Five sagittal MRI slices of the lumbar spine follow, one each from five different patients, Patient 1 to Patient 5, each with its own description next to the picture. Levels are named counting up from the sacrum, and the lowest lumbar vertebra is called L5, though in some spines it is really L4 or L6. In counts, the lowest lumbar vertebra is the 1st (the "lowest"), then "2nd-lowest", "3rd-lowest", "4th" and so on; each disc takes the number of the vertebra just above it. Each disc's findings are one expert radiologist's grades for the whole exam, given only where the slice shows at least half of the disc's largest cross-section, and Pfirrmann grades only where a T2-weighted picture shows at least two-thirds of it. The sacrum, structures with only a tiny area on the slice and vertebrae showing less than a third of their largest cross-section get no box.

Patient 1 of 5:
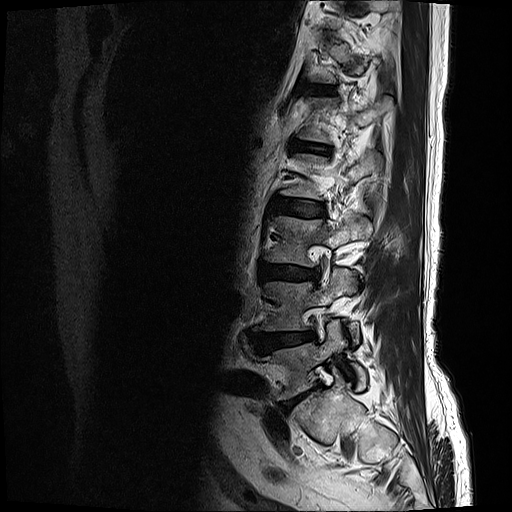 Field of view 300x300 mm. Lumbar spine MR, T2-weighted, sagittal. Patient sex: M.

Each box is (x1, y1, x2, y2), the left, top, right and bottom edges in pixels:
Structures:
• disc L3/L4 — (260, 264, 320, 281)
• disc L4/L5 — (252, 332, 316, 352)
• T12/L1 — (314, 87, 331, 93)
• L1/L2 — (292, 141, 330, 153)
• L4 — (261, 268, 359, 344)
• disc L5/S1 — (281, 386, 319, 412)
• L5 vertebra — (255, 321, 367, 400)
• L3 vertebra — (264, 215, 373, 266)
• disc L2/L3 — (273, 197, 325, 216)

Degenerative findings by level:
- L4/L5: disc bulging, disc herniation
- L3/L4: Pfirrmann grade 4, disc narrowing, lower-endplate change, disc bulging, Modic type II
- L1/L2: upper-endplate change, lower-endplate change, disc bulging, disc narrowing, Modic type II
- L2/L3: Pfirrmann grade 3, disc bulging

Patient 2 of 5:
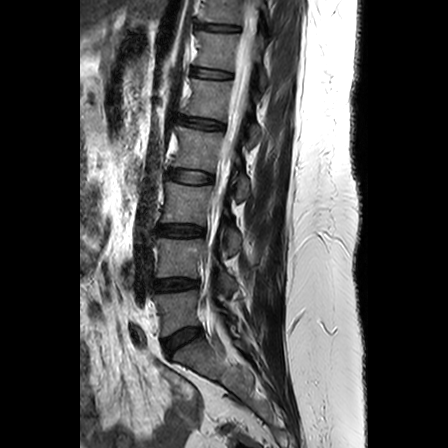

MRI lumbar spine (T2-weighted), sagittal plane
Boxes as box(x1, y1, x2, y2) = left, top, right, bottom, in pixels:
7th disc: box(198, 24, 238, 31).
Lowest vertebra: box(153, 290, 235, 335).
7th vertebra: box(199, 0, 267, 23).
4th disc: box(167, 170, 212, 183).
Lowest disc: box(163, 328, 200, 353).
Thecal sac / spinal canal: box(215, 0, 258, 208).
5th disc: box(177, 116, 224, 130).
2nd-lowest vertebra: box(155, 238, 236, 294).
6th vertebra: box(197, 30, 267, 89).
4th vertebra: box(173, 126, 249, 202).
2nd-lowest disc: box(153, 279, 198, 290).
6th disc: box(193, 68, 230, 78).
3rd-lowest vertebra: box(162, 182, 240, 255).
5th vertebra: box(183, 79, 260, 143).
3rd-lowest disc: box(158, 225, 203, 236).

Radiological gradings:
- 3rd-lowest disc: Pfirrmann grade 3, upper-endplate change
- lowest disc: Pfirrmann grade 3
- 5th disc: Pfirrmann grade 3, disc bulging, Modic type II, upper-endplate change
- 4th disc: Pfirrmann grade 2
- 7th disc: Pfirrmann grade 2
- 6th disc: Pfirrmann grade 2
- 2nd-lowest disc: Pfirrmann grade 3, disc narrowing

Patient 3 of 5:
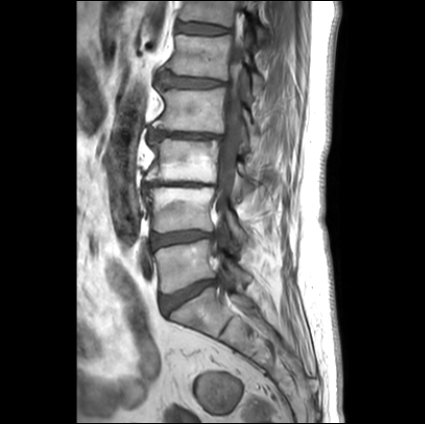
T1-weighted sagittal MRI of the lumbar spine.

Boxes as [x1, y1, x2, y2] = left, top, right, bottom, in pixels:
L5 (lowest vertebra): [153, 240, 253, 293].
Thecal sac / spinal canal: [216, 37, 243, 228].
L3/L4 (3rd-lowest disc): [143, 182, 215, 189].
L5/S1 (lowest disc): [161, 280, 214, 314].
L3 (3rd-lowest vertebra): [145, 138, 258, 194].
L4/L5 (2nd-lowest disc): [151, 231, 212, 250].
L1 (5th vertebra): [167, 33, 264, 92].
T12/L1 (6th disc): [177, 23, 224, 34].
T12 (6th vertebra): [181, 1, 266, 38].
Disc L1/L2 (5th disc): [161, 70, 224, 88].
L4 (2nd-lowest vertebra): [144, 187, 247, 239].
L2 (4th vertebra): [153, 87, 260, 140].
L2/L3 (4th disc): [150, 130, 220, 138].

Degenerative findings by level:
  L1/L2 (5th disc): lower-endplate change, disc bulging, upper-endplate change
  L5/S1 (lowest disc): disc bulging
  L4/L5 (2nd-lowest disc): disc bulging
  L2/L3 (4th disc): upper-endplate change, lower-endplate change, disc narrowing, disc bulging
  L3/L4 (3rd-lowest disc): upper-endplate change, disc narrowing, lower-endplate change, Modic type II, disc bulging
  T12/L1 (6th disc): no herniation, bulging, narrowing, spondylolisthesis, endplate or Modic change recorded

Patient 4 of 5:
Field of view 308x308 mm, slice spacing 4.4 mm. T2-weighted sagittal MRI of the lumbar spine.

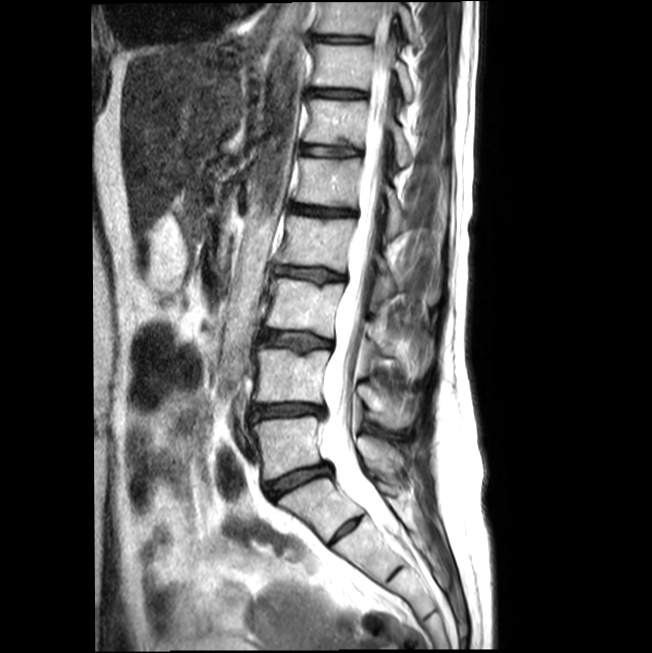
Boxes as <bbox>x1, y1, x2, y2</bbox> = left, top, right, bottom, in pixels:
L5/S1 at <bbox>265, 465, 329, 497</bbox>, spinal canal at <bbox>320, 2, 396, 530</bbox>, intervertebral disc L2/L3 at <bbox>275, 267, 344, 282</bbox>, T10 at <bbox>317, 2, 416, 42</bbox>, T11/T12 at <bbox>312, 89, 363, 98</bbox>, intervertebral disc L4/L5 at <bbox>252, 404, 324, 418</bbox>, T10/T11 at <bbox>317, 35, 367, 42</bbox>, T12/L1 at <bbox>303, 146, 359, 156</bbox>, L5 vertebra at <bbox>252, 417, 402, 479</bbox>, T11 at <bbox>313, 44, 414, 102</bbox>, L1/L2 at <bbox>293, 204, 354, 216</bbox>, L1 vertebra at <bbox>295, 158, 408, 237</bbox>, L3 vertebra at <bbox>267, 278, 432, 375</bbox>, L2 at <bbox>279, 215, 439, 304</bbox>, intervertebral disc L3/L4 at <bbox>263, 331, 330, 350</bbox>, T12 vertebra at <bbox>304, 99, 414, 166</bbox>, L4 at <bbox>252, 349, 415, 428</bbox>.

Expert MSK radiologist gradings (per disc):
  L4/L5: Pfirrmann grade 3, disc herniation, disc narrowing
  L5/S1: Pfirrmann grade 2, disc narrowing, disc bulging
  L1/L2: Pfirrmann grade 4, disc narrowing, lower-endplate change, upper-endplate change
  L2/L3: Pfirrmann grade 2, disc narrowing, lower-endplate change, upper-endplate change
  T11/T12: Pfirrmann grade 3, upper-endplate change, lower-endplate change, disc narrowing
  T12/L1: Pfirrmann grade 2, disc narrowing, lower-endplate change, upper-endplate change
  T10/T11: Pfirrmann grade 3, disc narrowing
  L3/L4: Pfirrmann grade 2, lower-endplate change, upper-endplate change, disc narrowing

Patient 5 of 5:
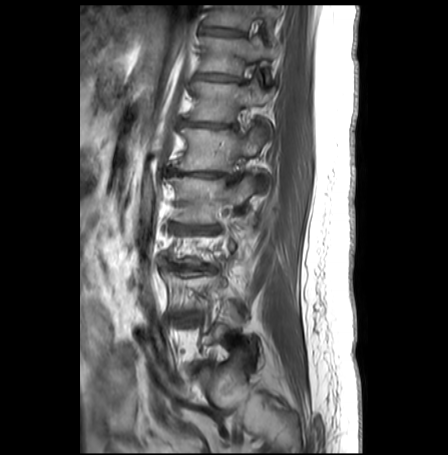 Sagittal slice index 8. 448x455 px. T1-weighted sagittal MRI of the lumbar spine.
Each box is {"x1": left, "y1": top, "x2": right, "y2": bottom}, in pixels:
8th vertebra — {"x1": 207, "y1": 5, "x2": 281, "y2": 33}.
6th disc — {"x1": 181, "y1": 120, "x2": 234, "y2": 127}.
3rd-lowest disc — {"x1": 164, "y1": 262, "x2": 214, "y2": 270}.
7th disc — {"x1": 196, "y1": 73, "x2": 237, "y2": 80}.
4th disc — {"x1": 171, "y1": 222, "x2": 217, "y2": 233}.
8th disc — {"x1": 203, "y1": 26, "x2": 243, "y2": 35}.
5th vertebra — {"x1": 173, "y1": 127, "x2": 268, "y2": 189}.
4th vertebra — {"x1": 169, "y1": 174, "x2": 254, "y2": 222}.
7th vertebra — {"x1": 200, "y1": 36, "x2": 282, "y2": 81}.
5th disc — {"x1": 167, "y1": 168, "x2": 230, "y2": 179}.
6th vertebra — {"x1": 186, "y1": 81, "x2": 273, "y2": 131}.

Radiological gradings:
• 4th disc: upper-endplate change, disc bulging, lower-endplate change, Modic type II, disc narrowing
• 6th disc: Modic type II, disc bulging, lower-endplate change, upper-endplate change, disc narrowing
• 7th disc: disc bulging
• 5th disc: disc narrowing, lower-endplate change, Modic type II, disc bulging, upper-endplate change
• 8th disc: no Modic or endplate change, herniation, narrowing, bulging or spondylolisthesis recorded